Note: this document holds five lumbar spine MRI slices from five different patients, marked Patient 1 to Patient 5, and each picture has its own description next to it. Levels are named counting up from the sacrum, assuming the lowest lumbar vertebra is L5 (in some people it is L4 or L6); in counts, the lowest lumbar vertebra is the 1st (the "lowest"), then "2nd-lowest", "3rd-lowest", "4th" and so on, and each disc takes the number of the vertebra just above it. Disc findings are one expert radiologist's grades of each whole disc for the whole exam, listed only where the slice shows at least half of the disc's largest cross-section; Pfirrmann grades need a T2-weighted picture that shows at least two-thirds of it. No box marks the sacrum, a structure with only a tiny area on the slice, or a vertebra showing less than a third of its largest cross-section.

Patient 1 of 5:
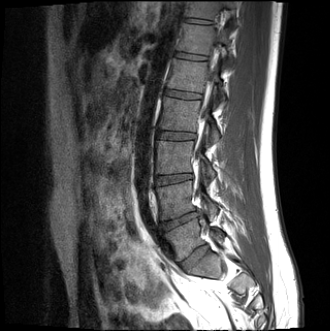 MRI lumbar spine (T1-weighted), sagittal plane.
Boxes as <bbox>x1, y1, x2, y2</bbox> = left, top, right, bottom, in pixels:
2nd-lowest disc: <bbox>161, 209, 201, 230</bbox>.
4th disc: <bbox>157, 131, 195, 139</bbox>.
6th vertebra: <bbox>177, 23, 232, 66</bbox>.
Thecal sac / spinal canal: <bbox>195, 55, 217, 158</bbox>.
5th disc: <bbox>165, 89, 200, 98</bbox>.
3rd-lowest vertebra: <bbox>156, 141, 215, 177</bbox>.
Lowest vertebra: <bbox>165, 218, 225, 261</bbox>.
2nd-lowest vertebra: <bbox>156, 181, 217, 220</bbox>.
Lowest disc: <bbox>181, 245, 208, 270</bbox>.
3rd-lowest disc: <bbox>155, 174, 192, 185</bbox>.
4th vertebra: <bbox>159, 97, 219, 142</bbox>.
7th disc: <bbox>185, 19, 212, 23</bbox>.
5th vertebra: <bbox>167, 58, 224, 101</bbox>.
7th vertebra: <bbox>185, 1, 234, 22</bbox>.
6th disc: <bbox>174, 52, 206, 60</bbox>.

Expert MSK radiologist gradings (per disc):
- 2nd-lowest disc: disc narrowing, lower-endplate change, Modic type II, disc herniation, upper-endplate change
- lowest disc: disc bulging
- 5th disc, 4th disc, 6th disc, 3rd-lowest disc, 7th disc: no Modic or endplate change, herniation, narrowing, bulging or spondylolisthesis recorded

Patient 2 of 5:
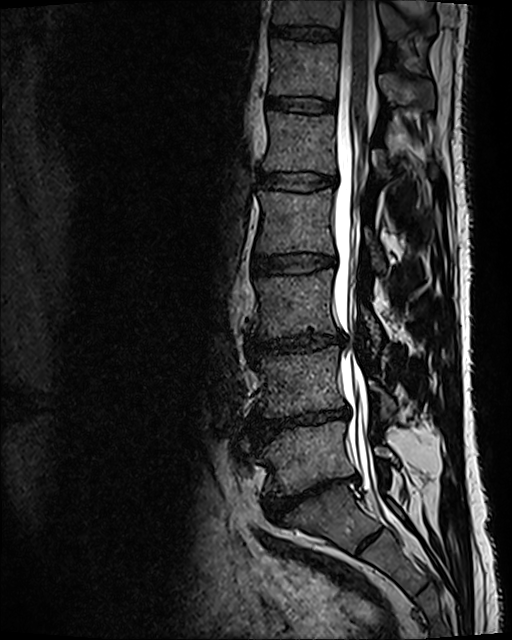 Sagittal T2 SPACE (3D) lumbar spine MRI
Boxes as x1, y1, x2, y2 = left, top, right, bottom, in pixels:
L5 (lowest vertebra): 256, 422, 396, 495.
Intervertebral disc L5/S1 (lowest disc): 263, 475, 355, 521.
L1 (5th vertebra): 263, 111, 438, 180.
T12 (6th vertebra): 270, 40, 434, 107.
Intervertebral disc T11/T12 (7th disc): 270, 26, 339, 40.
Spinal canal: 333, 1, 393, 520.
Intervertebral disc L1/L2 (5th disc): 259, 171, 335, 190.
L4/L5 (2nd-lowest disc): 253, 407, 348, 442.
T12/L1 (6th disc): 268, 96, 334, 111.
L2/L3 (4th disc): 253, 255, 335, 274.
L2 (4th vertebra): 256, 188, 384, 271.
Intervertebral disc L3/L4 (3rd-lowest disc): 249, 332, 342, 352.
L4 (2nd-lowest vertebra): 255, 346, 394, 418.
L3 (3rd-lowest vertebra): 252, 269, 380, 346.
T11 (7th vertebra): 273, 0, 438, 40.

Expert MSK radiologist gradings (per disc):
- T12/L1 (6th disc): Pfirrmann grade 2
- L2/L3 (4th disc): Pfirrmann grade 2
- L1/L2 (5th disc): Pfirrmann grade 2
- L5/S1 (lowest disc): Pfirrmann grade 5, disc narrowing, lower-endplate change, disc bulging, spondylolisthesis
- T11/T12 (7th disc): Pfirrmann grade 2
- L3/L4 (3rd-lowest disc): Pfirrmann grade 3, disc bulging, disc narrowing
- L4/L5 (2nd-lowest disc): Pfirrmann grade 5, lower-endplate change, Modic type II, disc narrowing, disc bulging

Patient 3 of 5:
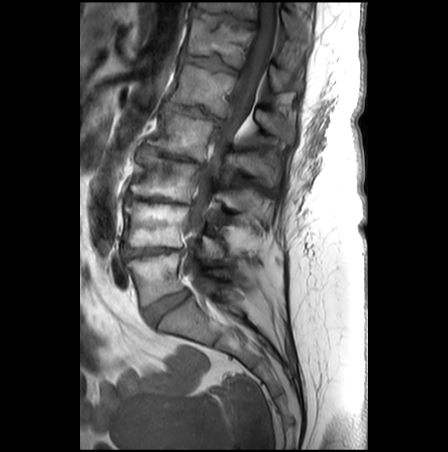 T1-weighted sagittal MRI of the lumbar spine | Slice 13 of 28 | Patient sex: F
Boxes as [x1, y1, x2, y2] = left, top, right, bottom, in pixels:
3rd-lowest vertebra at [130, 151, 258, 212] | 7th vertebra at [198, 2, 310, 49] | 6th disc at [182, 53, 237, 72] | thecal sac / spinal canal at [185, 1, 278, 293] | 2nd-lowest vertebra at [123, 203, 222, 258] | 2nd-lowest disc at [122, 247, 179, 257] | 4th vertebra at [147, 107, 280, 185] | lowest disc at [144, 289, 188, 324] | 4th disc at [139, 146, 202, 164] | lowest vertebra at [126, 252, 246, 305] | 6th vertebra at [184, 17, 302, 90] | 7th disc at [193, 9, 255, 29] | 3rd-lowest disc at [126, 194, 185, 204] | 5th vertebra at [170, 64, 294, 144] | 5th disc at [166, 100, 222, 124]

Radiological gradings:
- 7th disc: upper-endplate change, lower-endplate change
- 5th disc: Modic type II, upper-endplate change, spondylolisthesis, disc bulging, disc narrowing, lower-endplate change
- 6th disc: upper-endplate change, Modic type II, lower-endplate change
- 3rd-lowest disc: disc bulging, upper-endplate change, lower-endplate change, disc narrowing, Modic type II
- 2nd-lowest disc: disc narrowing, lower-endplate change, Modic type II, disc bulging, upper-endplate change
- lowest disc: no spondylolisthesis, narrowing, bulging, herniation, Modic or endplate change recorded

Patient 4 of 5:
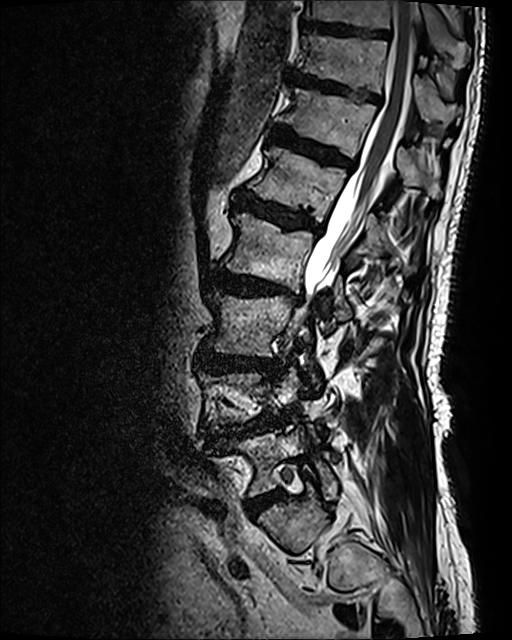

Sex M; 512x640 px; MRI lumbar spine (T2 SPACE (3D)), sagittal plane
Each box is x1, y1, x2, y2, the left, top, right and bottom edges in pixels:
L3 at 207, 291, 319, 386; T10 at 302, 0, 459, 55; L5 at 234, 428, 337, 497; L4/L5 at 226, 423, 259, 433; intervertebral disc L1/L2 at 237, 195, 316, 230; thecal sac / spinal canal at 297, 1, 417, 315; intervertebral disc L5/S1 at 246, 492, 281, 516; T12/L1 at 273, 125, 353, 168; T11 at 299, 33, 458, 122; T12 vertebra at 278, 88, 439, 195; L2 at 223, 212, 351, 321; L3/L4 at 197, 349, 280, 374; L2/L3 at 211, 267, 298, 300; T10/T11 at 303, 22, 390, 39; intervertebral disc T11/T12 at 292, 71, 380, 102; L1 vertebra at 249, 146, 415, 272.

Degenerative findings by level:
• L3/L4: Pfirrmann grade 4, disc bulging, upper-endplate change, lower-endplate change
• T10/T11: Pfirrmann grade 3
• L1/L2: Pfirrmann grade 4, upper-endplate change, lower-endplate change, disc bulging, Modic type II
• T12/L1: Pfirrmann grade 4, upper-endplate change, disc bulging, lower-endplate change, Modic type II
• T11/T12: Pfirrmann grade 4, disc bulging, upper-endplate change, lower-endplate change
• L2/L3: Pfirrmann grade 4, lower-endplate change, disc narrowing, Modic type I, disc bulging, upper-endplate change

Patient 5 of 5:
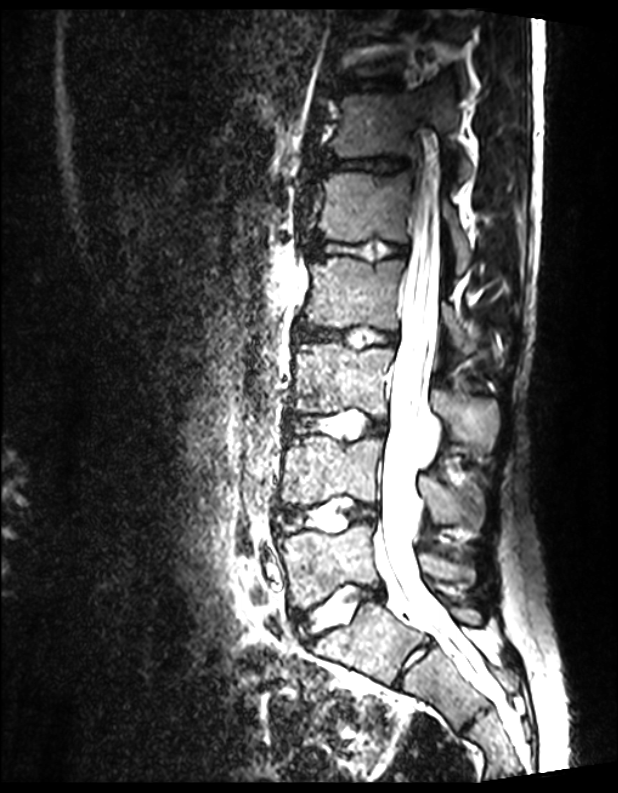 MRI lumbar spine (T2 SPACE (3D)), sagittal plane
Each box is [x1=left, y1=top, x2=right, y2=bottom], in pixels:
Thecal sac / spinal canal at [x1=373, y1=104, x2=470, y2=670], L5/S1 at [x1=294, y1=585, x2=382, y2=642], disc L2/L3 at [x1=293, y1=327, x2=398, y2=347], disc L3/L4 at [x1=286, y1=410, x2=387, y2=439], T11 at [x1=351, y1=11, x2=467, y2=91], disc L4/L5 at [x1=277, y1=498, x2=376, y2=531], L1 at [x1=313, y1=173, x2=472, y2=271], L2 vertebra at [x1=300, y1=257, x2=506, y2=357], disc T11/T12 at [x1=329, y1=77, x2=401, y2=93], T12 vertebra at [x1=329, y1=93, x2=472, y2=179], L5 vertebra at [x1=277, y1=522, x2=470, y2=608], L3 vertebra at [x1=292, y1=342, x2=498, y2=453], L4 vertebra at [x1=282, y1=436, x2=481, y2=537], T12/L1 at [x1=318, y1=157, x2=407, y2=173], L1/L2 at [x1=309, y1=236, x2=406, y2=259].

Radiological gradings:
- T11/T12: Pfirrmann grade 1
- L2/L3: Pfirrmann grade 1
- L1/L2: Pfirrmann grade 1
- L3/L4: Pfirrmann grade 1
- L4/L5: Pfirrmann grade 1
- L5/S1: Pfirrmann grade 1
- T12/L1: Pfirrmann grade 1